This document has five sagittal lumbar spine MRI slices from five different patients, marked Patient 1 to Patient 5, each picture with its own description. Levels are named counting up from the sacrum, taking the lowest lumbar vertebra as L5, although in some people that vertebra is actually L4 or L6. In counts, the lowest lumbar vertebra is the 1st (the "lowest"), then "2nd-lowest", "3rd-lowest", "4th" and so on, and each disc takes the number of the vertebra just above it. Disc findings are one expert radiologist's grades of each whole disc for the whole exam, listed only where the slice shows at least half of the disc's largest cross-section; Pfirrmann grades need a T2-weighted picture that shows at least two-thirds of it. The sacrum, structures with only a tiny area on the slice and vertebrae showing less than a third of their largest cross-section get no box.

Patient 1 of 5:
Sagittal slice index 22. Lumbar spine MR, T1-weighted, sagittal. Patient sex: M.

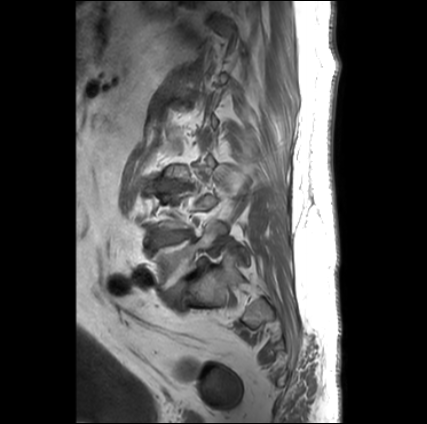 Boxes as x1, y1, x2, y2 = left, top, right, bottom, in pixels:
{"intervertebral disc L5/S1 (lowest disc)": "165, 259, 205, 307", "L5 (lowest vertebra)": "152, 223, 223, 290", "intervertebral disc L4/L5 (2nd-lowest disc)": "152, 230, 190, 247"}

Radiological gradings:
• L5/S1 (lowest disc): disc bulging, upper-endplate change, Modic type II, disc narrowing, lower-endplate change, spondylolisthesis

Patient 2 of 5:
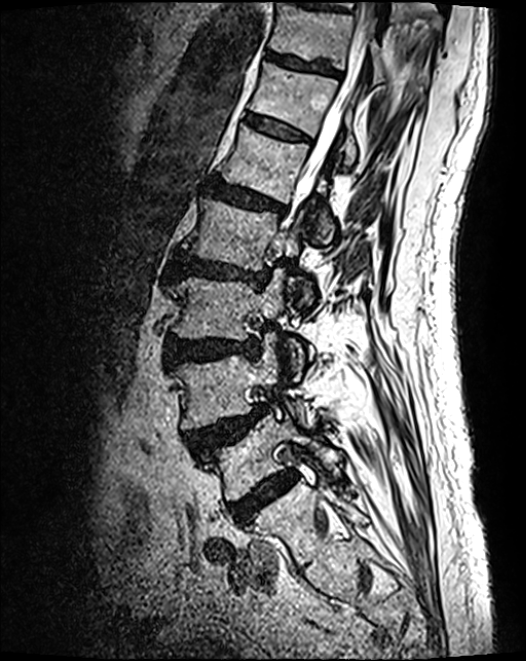

Sex M | MRI lumbar spine (T2 SPACE (3D)), sagittal plane
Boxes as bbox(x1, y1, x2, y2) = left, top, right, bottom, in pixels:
L3 at bbox(172, 270, 304, 373); L1 vertebra at bbox(219, 126, 334, 238); L1/L2 at bbox(205, 179, 286, 215); L5 at bbox(203, 417, 340, 501); T12 vertebra at bbox(249, 63, 358, 166); thecal sac / spinal canal at bbox(280, 0, 379, 248); disc T12/L1 at bbox(245, 115, 308, 142); disc L4/L5 at bbox(187, 406, 267, 453); T11 vertebra at bbox(269, 3, 428, 83); L4 at bbox(174, 337, 319, 429); L2 vertebra at bbox(183, 197, 310, 306); disc L5/S1 at bbox(229, 473, 296, 524); L2/L3 at bbox(173, 253, 268, 286); L3/L4 at bbox(166, 340, 258, 364); disc T11/T12 at bbox(266, 52, 338, 75).

Per-level radiological findings:
• T11/T12: Pfirrmann grade 3, lower-endplate change
• L5/S1: Pfirrmann grade 4
• L2/L3: Pfirrmann grade 4, disc narrowing, disc bulging, upper-endplate change, lower-endplate change
• L4/L5: Pfirrmann grade 4, spondylolisthesis, upper-endplate change, disc herniation
• L3/L4: Pfirrmann grade 4, disc bulging
• T12/L1: Pfirrmann grade 3
• L1/L2: Pfirrmann grade 4, disc bulging, lower-endplate change, upper-endplate change

Patient 3 of 5:
MRI lumbar spine (T2-weighted), sagittal plane

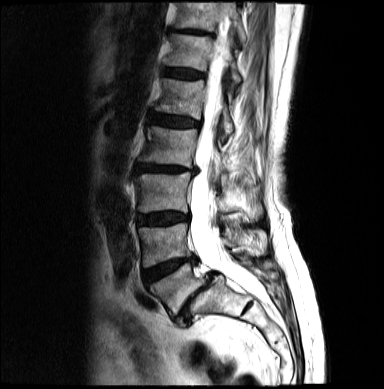 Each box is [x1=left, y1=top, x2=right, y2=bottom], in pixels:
Spinal canal = [x1=192, y1=41, x2=258, y2=295].
L2/L3 (4th disc) = [x1=138, y1=166, x2=198, y2=174].
L4/L5 (2nd-lowest disc) = [x1=144, y1=259, x2=196, y2=283].
L4 (2nd-lowest vertebra) = [x1=139, y1=225, x2=237, y2=266].
Intervertebral disc L5/S1 (lowest disc) = [x1=175, y1=273, x2=216, y2=325].
T12 (6th vertebra) = [x1=168, y1=34, x2=241, y2=89].
Intervertebral disc T11/T12 (7th disc) = [x1=174, y1=30, x2=211, y2=35].
L3 (3rd-lowest vertebra) = [x1=135, y1=172, x2=235, y2=214].
L1 (5th vertebra) = [x1=157, y1=80, x2=234, y2=140].
Intervertebral disc L1/L2 (5th disc) = [x1=153, y1=115, x2=201, y2=127].
L2 (4th vertebra) = [x1=139, y1=127, x2=231, y2=177].
Intervertebral disc L3/L4 (3rd-lowest disc) = [x1=139, y1=213, x2=190, y2=225].
L5 (lowest vertebra) = [x1=150, y1=264, x2=264, y2=316].
T11 (7th vertebra) = [x1=176, y1=1, x2=246, y2=42].
T12/L1 (6th disc) = [x1=165, y1=70, x2=204, y2=79].

Expert MSK radiologist gradings (per disc):
• L2/L3 (4th disc): Pfirrmann grade 4, disc narrowing, Modic type II, disc bulging
• L4/L5 (2nd-lowest disc): Pfirrmann grade 4, disc narrowing, Modic type II
• T12/L1 (6th disc): Pfirrmann grade 3
• L5/S1 (lowest disc): Pfirrmann grade 5, lower-endplate change, Modic type II, disc herniation, disc narrowing, spondylolisthesis, disc bulging, upper-endplate change
• L3/L4 (3rd-lowest disc): Pfirrmann grade 4, disc bulging
• L1/L2 (5th disc): Pfirrmann grade 4, disc bulging, lower-endplate change

Patient 4 of 5:
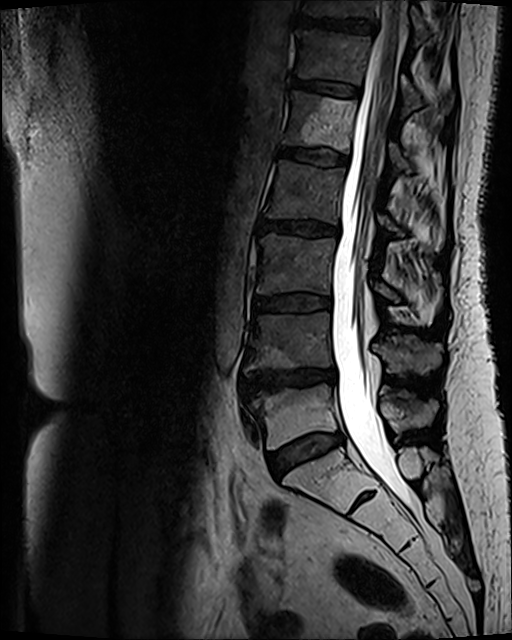 T2 SPACE (3D) sagittal MRI of the lumbar spine; Field of view 240x300 mm, slice spacing 0.9 mm; Sagittal slice index 61
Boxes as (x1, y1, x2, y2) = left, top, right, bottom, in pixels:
5th vertebra: (283, 92, 410, 174).
5th disc: (279, 148, 347, 165).
4th disc: (259, 221, 338, 235).
6th disc: (293, 79, 361, 97).
Lowest disc: (268, 433, 344, 476).
4th vertebra: (266, 160, 403, 232).
Spinal canal: (331, 0, 410, 504).
6th vertebra: (297, 31, 452, 113).
2nd-lowest disc: (241, 367, 335, 395).
3rd-lowest disc: (255, 296, 331, 312).
7th vertebra: (303, 0, 427, 42).
3rd-lowest vertebra: (257, 233, 399, 303).
7th disc: (298, 17, 376, 34).
Lowest vertebra: (245, 384, 437, 449).
2nd-lowest vertebra: (244, 313, 440, 375).

Per-level radiological findings:
• lowest disc: Pfirrmann grade 3, Modic type II, disc bulging
• 4th disc: Pfirrmann grade 3, disc bulging, Modic type II
• 5th disc: Pfirrmann grade 3, Modic type II
• 6th disc: Pfirrmann grade 3, Modic type II
• 3rd-lowest disc: Pfirrmann grade 3, Modic type II, disc bulging
• 7th disc: Pfirrmann grade 4, upper-endplate change, lower-endplate change, Modic type II
• 2nd-lowest disc: Pfirrmann grade 4, disc narrowing, Modic type II, upper-endplate change, lower-endplate change, disc bulging

Patient 5 of 5:
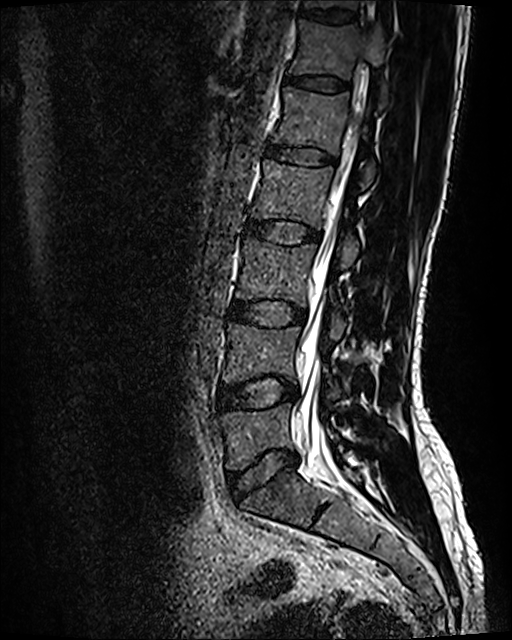

Field of view 240x300 mm, Slice 49/120, Sagittal T2 SPACE (3D) lumbar spine MRI
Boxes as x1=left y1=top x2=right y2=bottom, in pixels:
Spinal canal: x1=299 y1=116 x2=358 y2=471.
L1/L2: x1=267 y1=145 x2=335 y2=167.
Intervertebral disc L5/S1: x1=228 y1=450 x2=297 y2=500.
L4: x1=223 y1=323 x2=340 y2=399.
T11 vertebra: x1=301 y1=0 x2=361 y2=9.
Intervertebral disc T11/T12: x1=299 y1=6 x2=356 y2=23.
L2 vertebra: x1=251 y1=159 x2=358 y2=269.
L2/L3: x1=243 y1=217 x2=319 y2=244.
L1: x1=272 y1=87 x2=376 y2=186.
Intervertebral disc T12/L1: x1=286 y1=75 x2=348 y2=91.
L5: x1=220 y1=402 x2=337 y2=469.
Intervertebral disc L3/L4: x1=229 y1=299 x2=305 y2=327.
T12 vertebra: x1=289 y1=20 x2=387 y2=105.
L3: x1=236 y1=236 x2=346 y2=340.
L4/L5: x1=219 y1=376 x2=297 y2=410.

Radiological gradings:
• T12/L1: Pfirrmann grade 2
• L2/L3: Pfirrmann grade 2
• L3/L4: Pfirrmann grade 2, disc bulging
• L5/S1: Pfirrmann grade 2, disc bulging
• L1/L2: Pfirrmann grade 2
• L4/L5: Pfirrmann grade 2, disc bulging
• T11/T12: Pfirrmann grade 2